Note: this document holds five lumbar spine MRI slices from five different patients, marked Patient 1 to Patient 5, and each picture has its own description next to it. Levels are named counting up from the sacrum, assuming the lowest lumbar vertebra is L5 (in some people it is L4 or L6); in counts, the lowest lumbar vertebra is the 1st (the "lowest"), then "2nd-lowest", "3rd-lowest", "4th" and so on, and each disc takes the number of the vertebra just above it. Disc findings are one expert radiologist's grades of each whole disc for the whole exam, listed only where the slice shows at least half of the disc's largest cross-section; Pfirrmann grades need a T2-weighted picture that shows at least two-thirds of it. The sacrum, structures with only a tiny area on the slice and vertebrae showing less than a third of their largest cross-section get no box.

Patient 1 of 5:
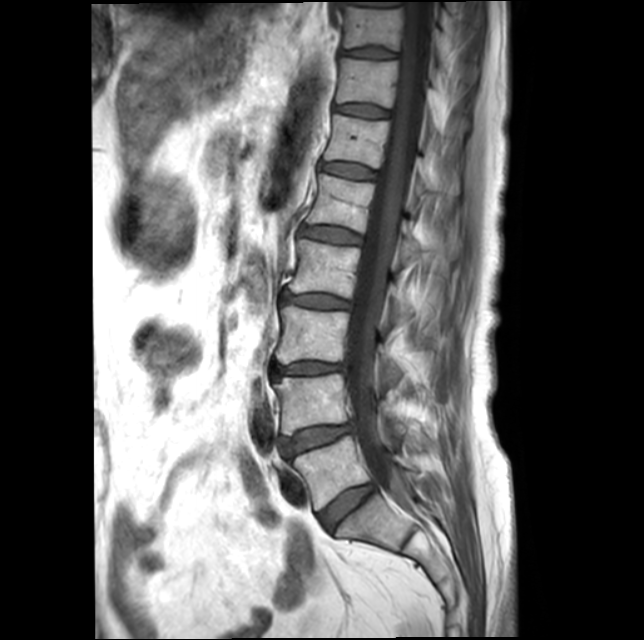 Slice 10/19 | MRI lumbar spine (T1-weighted), sagittal plane
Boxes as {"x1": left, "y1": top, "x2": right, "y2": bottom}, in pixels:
L5/S1 at {"x1": 318, "y1": 484, "x2": 375, "y2": 530}, intervertebral disc L1/L2 at {"x1": 299, "y1": 226, "x2": 361, "y2": 243}, intervertebral disc T10/T11 at {"x1": 342, "y1": 48, "x2": 396, "y2": 58}, intervertebral disc T11/T12 at {"x1": 336, "y1": 104, "x2": 390, "y2": 117}, T11 at {"x1": 336, "y1": 58, "x2": 440, "y2": 125}, L3/L4 at {"x1": 274, "y1": 362, "x2": 344, "y2": 375}, T12 vertebra at {"x1": 325, "y1": 114, "x2": 433, "y2": 191}, T10 at {"x1": 343, "y1": 4, "x2": 448, "y2": 62}, L5 at {"x1": 292, "y1": 436, "x2": 416, "y2": 510}, L4/L5 at {"x1": 282, "y1": 423, "x2": 352, "y2": 456}, thecal sac / spinal canal at {"x1": 347, "y1": 1, "x2": 433, "y2": 507}, L3 vertebra at {"x1": 276, "y1": 306, "x2": 404, "y2": 374}, L2 at {"x1": 289, "y1": 239, "x2": 414, "y2": 314}, L4 at {"x1": 274, "y1": 373, "x2": 407, "y2": 434}, L1 at {"x1": 306, "y1": 174, "x2": 421, "y2": 249}, intervertebral disc T12/L1 at {"x1": 320, "y1": 163, "x2": 376, "y2": 178}, intervertebral disc L2/L3 at {"x1": 282, "y1": 294, "x2": 350, "y2": 308}.

Expert MSK radiologist gradings (per disc):
  L3/L4: lower-endplate change, Modic type II, disc narrowing, upper-endplate change, disc bulging
  L4/L5: upper-endplate change, lower-endplate change, disc bulging, Modic type II
  L2/L3: upper-endplate change, lower-endplate change, Modic type II, disc bulging, disc narrowing
  L1/L2: Modic type II
  T11/T12, T10/T11, L5/S1, T12/L1: no herniation, bulging, narrowing, spondylolisthesis, endplate or Modic change recorded

Patient 2 of 5:
T2 SPACE (3D) sagittal MRI of the lumbar spine, Sagittal slice index 55 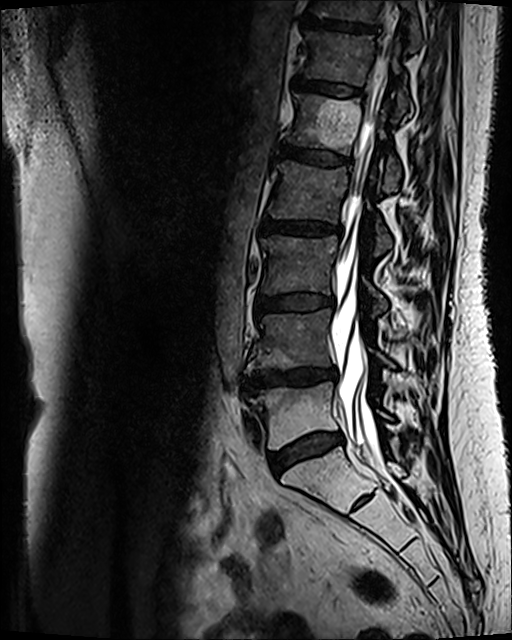

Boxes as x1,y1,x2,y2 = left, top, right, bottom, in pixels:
Structures:
• 7th disc — 305,17,377,31
• thecal sac / spinal canal — 331,46,388,467
• 6th disc — 293,77,360,96
• 5th vertebra — 286,94,401,191
• 4th vertebra — 269,162,391,254
• 3rd-lowest disc — 257,296,333,312
• 3rd-lowest vertebra — 261,235,386,312
• lowest disc — 270,432,343,474
• 6th vertebra — 304,32,408,117
• 2nd-lowest disc — 242,369,336,394
• 7th vertebra — 308,0,421,51
• lowest vertebra — 250,381,390,448
• 5th disc — 281,147,348,165
• 2nd-lowest vertebra — 245,309,391,372
• 4th disc — 261,217,342,235

Degenerative findings by level:
• 3rd-lowest disc: Pfirrmann grade 3, Modic type II, disc bulging
• 2nd-lowest disc: Pfirrmann grade 4, disc narrowing, upper-endplate change, Modic type II, disc bulging, lower-endplate change
• 6th disc: Pfirrmann grade 3, Modic type II
• lowest disc: Pfirrmann grade 3, disc bulging, Modic type II
• 5th disc: Pfirrmann grade 3, Modic type II
• 7th disc: Pfirrmann grade 4, lower-endplate change, upper-endplate change, Modic type II
• 4th disc: Pfirrmann grade 3, disc bulging, Modic type II

Patient 3 of 5:
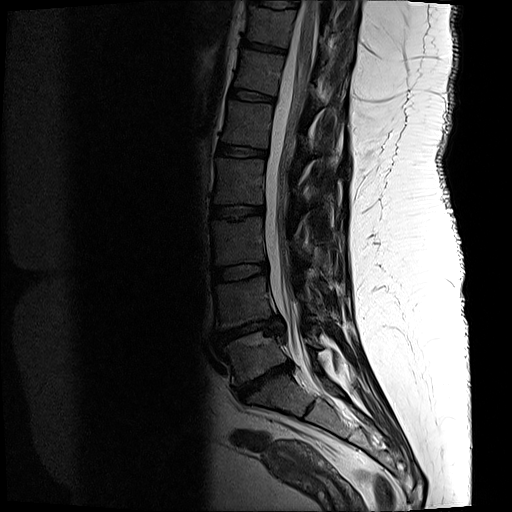 Lumbar spine MR, T2-weighted, sagittal.

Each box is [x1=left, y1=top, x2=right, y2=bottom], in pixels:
intervertebral disc L3/L4 = [x1=213, y1=263, x2=267, y2=281] | L1 = [x1=222, y1=100, x2=312, y2=156] | T11 vertebra = [x1=246, y1=5, x2=351, y2=61] | L4 = [x1=214, y1=276, x2=327, y2=329] | T12 = [x1=234, y1=49, x2=322, y2=109] | intervertebral disc T11/T12 = [x1=242, y1=40, x2=285, y2=52] | L3 vertebra = [x1=211, y1=216, x2=312, y2=265] | L5 = [x1=223, y1=329, x2=321, y2=385] | L1/L2 = [x1=218, y1=144, x2=266, y2=156] | L2 vertebra = [x1=214, y1=157, x2=309, y2=208] | L4/L5 = [x1=219, y1=317, x2=283, y2=342] | L2/L3 = [x1=212, y1=205, x2=263, y2=218] | thecal sac / spinal canal = [x1=264, y1=0, x2=318, y2=372] | intervertebral disc L5/S1 = [x1=234, y1=362, x2=292, y2=400] | T12/L1 = [x1=230, y1=89, x2=273, y2=101]

Radiological gradings:
• L1/L2: Pfirrmann grade 3, lower-endplate change
• L3/L4: Pfirrmann grade 3
• L4/L5: Pfirrmann grade 5, upper-endplate change, Modic type II, lower-endplate change, disc narrowing, disc herniation
• L5/S1: Pfirrmann grade 5, Modic type II, lower-endplate change, upper-endplate change, disc narrowing, disc herniation
• T12/L1: Pfirrmann grade 3
• T11/T12: Pfirrmann grade 3, lower-endplate change
• L2/L3: Pfirrmann grade 3, upper-endplate change, lower-endplate change

Patient 4 of 5:
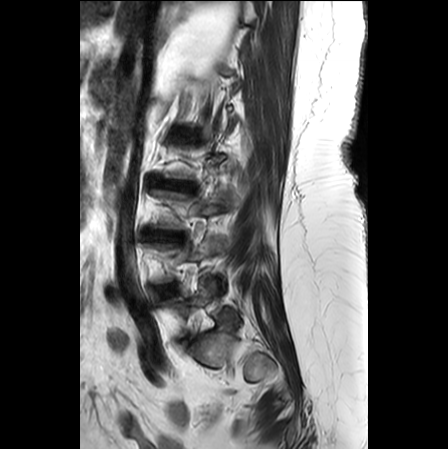 Field of view 280x281 mm. Slice 7/25. Sagittal T2-weighted lumbar spine MRI. Patient sex: F.
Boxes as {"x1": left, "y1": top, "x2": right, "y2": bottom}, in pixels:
L4/L5: {"x1": 158, "y1": 284, "x2": 176, "y2": 295}.
Disc L3/L4: {"x1": 144, "y1": 230, "x2": 183, "y2": 241}.
L2/L3: {"x1": 149, "y1": 177, "x2": 193, "y2": 189}.
L5 vertebra: {"x1": 164, "y1": 280, "x2": 240, "y2": 336}.

Degenerative findings by level:
  L3/L4: Pfirrmann grade 4, lower-endplate change, upper-endplate change, disc bulging, disc narrowing
  L2/L3: Pfirrmann grade 5, disc narrowing, lower-endplate change, disc herniation, Modic type II, upper-endplate change

Patient 5 of 5:
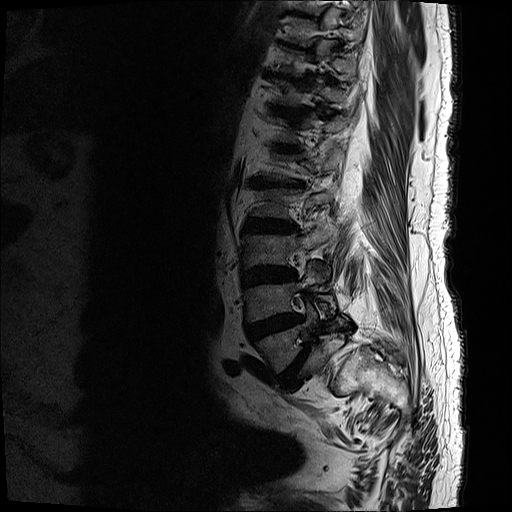

Lumbar spine MR, T2-weighted, sagittal.
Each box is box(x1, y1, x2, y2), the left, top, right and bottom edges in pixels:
Annotations:
- L5 vertebra: box(255, 298, 338, 373)
- T11 vertebra: box(267, 77, 350, 106)
- L3 vertebra: box(243, 224, 334, 267)
- T10 vertebra: box(277, 44, 358, 76)
- disc T9/T10: box(276, 39, 308, 50)
- L1/L2: box(248, 176, 306, 189)
- disc L3/L4: box(243, 266, 295, 286)
- disc T10/T11: box(263, 70, 318, 85)
- L4/L5: box(246, 314, 303, 342)
- disc T11/T12: box(267, 105, 310, 118)
- disc L2/L3: box(244, 217, 298, 233)
- L4: box(243, 262, 329, 323)
- L5/S1: box(280, 343, 310, 389)
- L2: box(251, 188, 334, 222)
- T12/L1: box(272, 143, 302, 153)

Expert MSK radiologist gradings (per disc):
- L3/L4: Pfirrmann grade 5, disc narrowing, Modic type II, upper-endplate change, disc bulging, lower-endplate change
- T10/T11: disc narrowing, upper-endplate change, lower-endplate change, disc bulging, Modic type II
- L4/L5: Pfirrmann grade 5, disc narrowing, disc bulging, upper-endplate change, lower-endplate change, Modic type II
- L1/L2: disc narrowing, disc bulging, lower-endplate change, Modic type II, upper-endplate change
- L5/S1: Pfirrmann grade 5, disc bulging, disc narrowing, upper-endplate change, lower-endplate change, spondylolisthesis, Modic type II
- T11/T12: disc bulging, disc narrowing, Modic type II, lower-endplate change, upper-endplate change
- L2/L3: Pfirrmann grade 5, upper-endplate change, lower-endplate change, disc bulging, disc narrowing, Modic type II